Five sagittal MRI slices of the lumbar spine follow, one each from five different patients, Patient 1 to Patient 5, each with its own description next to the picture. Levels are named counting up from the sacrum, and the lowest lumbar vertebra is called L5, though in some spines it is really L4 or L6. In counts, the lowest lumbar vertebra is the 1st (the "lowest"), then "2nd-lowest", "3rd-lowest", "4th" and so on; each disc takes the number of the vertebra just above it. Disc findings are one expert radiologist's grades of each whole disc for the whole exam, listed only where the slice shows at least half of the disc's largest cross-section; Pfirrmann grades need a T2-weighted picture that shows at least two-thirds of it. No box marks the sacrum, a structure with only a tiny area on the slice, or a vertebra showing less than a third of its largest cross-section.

Patient 1 of 5:
Field of view 240x300 mm. Patient sex: F. MRI lumbar spine (T2 SPACE (3D)), sagittal plane.

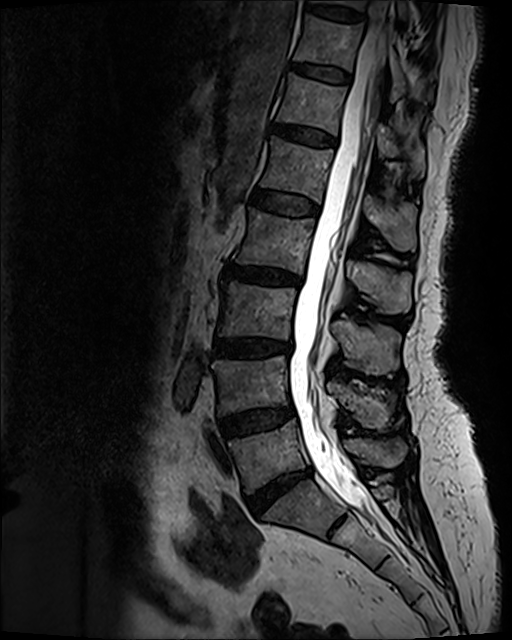 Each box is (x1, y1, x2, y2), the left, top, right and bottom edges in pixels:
L5 (lowest vertebra): (228, 421, 406, 494)
T11 (7th vertebra): (294, 16, 430, 99)
L2 (4th vertebra): (233, 208, 411, 312)
intervertebral disc L2/L3 (4th disc): (224, 263, 299, 283)
L4 (2nd-lowest vertebra): (212, 355, 396, 428)
L1/L2 (5th disc): (251, 191, 318, 215)
intervertebral disc L5/S1 (lowest disc): (248, 470, 310, 515)
intervertebral disc T10/T11 (8th disc): (308, 4, 361, 20)
L1 (5th vertebra): (260, 137, 415, 251)
T12 (6th vertebra): (276, 73, 425, 174)
intervertebral disc L4/L5 (2nd-lowest disc): (220, 406, 293, 436)
L3 (3rd-lowest vertebra): (218, 281, 399, 375)
T11/T12 (7th disc): (293, 64, 350, 82)
intervertebral disc L3/L4 (3rd-lowest disc): (212, 339, 290, 355)
intervertebral disc T12/L1 (6th disc): (271, 124, 336, 146)
spinal canal: (288, 1, 386, 519)

Expert MSK radiologist gradings (per disc):
  L4/L5 (2nd-lowest disc): Pfirrmann grade 3, disc bulging
  T12/L1 (6th disc): Pfirrmann grade 3, disc bulging
  T10/T11 (8th disc): Pfirrmann grade 2
  L1/L2 (5th disc): Pfirrmann grade 2
  L2/L3 (4th disc): Pfirrmann grade 4, upper-endplate change, Modic type II, disc bulging, disc narrowing, lower-endplate change
  T11/T12 (7th disc): Pfirrmann grade 2
  L5/S1 (lowest disc): Pfirrmann grade 4, disc narrowing, disc bulging
  L3/L4 (3rd-lowest disc): Pfirrmann grade 4, Modic type II, lower-endplate change, disc narrowing, disc bulging, upper-endplate change

Patient 2 of 5:
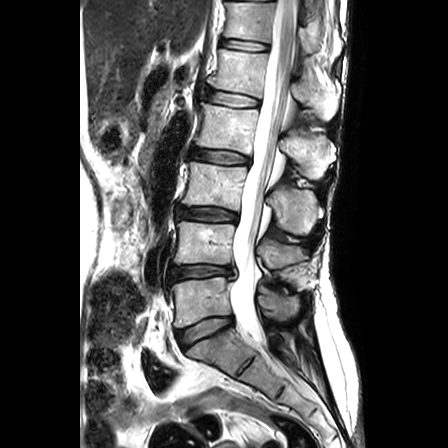 Lumbar spine MR, T2-weighted, sagittal, Slice spacing 3.3 mm
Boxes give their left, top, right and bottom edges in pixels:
L1 — left=208, top=49, right=339, bottom=119 | intervertebral disc L1/L2 — left=207, top=90, right=258, bottom=106 | L2 — left=196, top=103, right=335, bottom=179 | T12 — left=224, top=2, right=339, bottom=56 | L3/L4 — left=177, top=207, right=236, bottom=222 | intervertebral disc L5/S1 — left=176, top=317, right=232, bottom=348 | T12/L1 — left=222, top=39, right=267, bottom=50 | L5 vertebra — left=171, top=277, right=299, bottom=327 | L2/L3 — left=191, top=148, right=249, bottom=163 | intervertebral disc L4/L5 — left=169, top=264, right=237, bottom=282 | L4 vertebra — left=174, top=221, right=306, bottom=268 | L3 vertebra — left=182, top=162, right=323, bottom=234 | thecal sac / spinal canal — left=230, top=0, right=297, bottom=341

Per-level radiological findings:
  L2/L3: Pfirrmann grade 3, lower-endplate change, Modic type II, disc bulging, upper-endplate change
  L4/L5: Pfirrmann grade 3, disc herniation, lower-endplate change, disc narrowing, upper-endplate change
  L5/S1: Pfirrmann grade 2
  L1/L2: Pfirrmann grade 2, lower-endplate change, upper-endplate change, Modic type II
  L3/L4: Pfirrmann grade 3, disc bulging, lower-endplate change, upper-endplate change
  T12/L1: Pfirrmann grade 2, Modic type II

Patient 3 of 5:
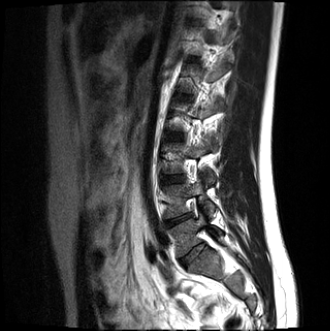

Sagittal T2-weighted lumbar spine MRI

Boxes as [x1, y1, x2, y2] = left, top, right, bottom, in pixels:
L3: [168, 138, 217, 182].
Disc L4/L5: [166, 213, 192, 226].
Disc L2/L3: [170, 134, 181, 140].
L3/L4: [165, 175, 181, 182].
Disc L5/S1: [181, 243, 205, 266].
L5: [169, 213, 223, 256].
L4: [164, 178, 215, 218].

Per-level radiological findings:
• L5/S1: disc bulging

Patient 4 of 5:
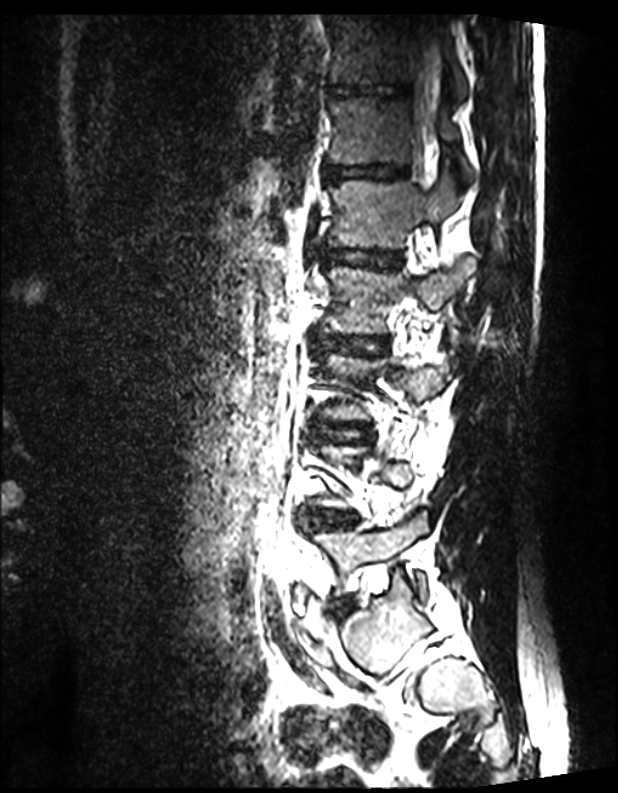 Sex M | Lumbar spine MR, T2 SPACE (3D), sagittal | Slice 94 of 144

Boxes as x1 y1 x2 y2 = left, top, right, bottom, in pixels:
L1 (5th vertebra) — 328 175 457 247 | L5 (lowest vertebra) — 315 512 427 598 | disc L2/L3 (4th disc) — 324 336 387 354 | T11/T12 (7th disc) — 329 83 407 98 | disc L3/L4 (3rd-lowest disc) — 323 424 366 440 | L2 (4th vertebra) — 322 258 475 334 | T12 (6th vertebra) — 328 97 469 179 | disc L5/S1 (lowest disc) — 333 600 353 615 | disc T12/L1 (6th disc) — 324 165 407 180 | L4/L5 (2nd-lowest disc) — 309 512 355 527 | T11 (7th vertebra) — 328 14 468 101 | spinal canal — 409 20 440 189 | L1/L2 (5th disc) — 316 247 400 268

Expert MSK radiologist gradings (per disc):
- T12/L1 (6th disc): Pfirrmann grade 1
- L1/L2 (5th disc): Pfirrmann grade 1
- T11/T12 (7th disc): Pfirrmann grade 1
- L2/L3 (4th disc): no spondylolisthesis, narrowing, bulging, herniation, Modic or endplate change recorded

Patient 5 of 5:
Slice 7/27 | Lumbar spine MR, T1-weighted, sagittal

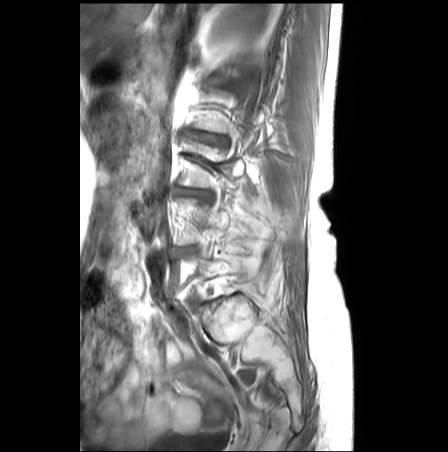 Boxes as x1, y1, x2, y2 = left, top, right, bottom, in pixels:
Segmented structures:
* disc L2/L3 at 188, 132, 219, 142
* L3/L4 at 175, 187, 211, 200

Degenerative findings by level:
  L3/L4: disc bulging, disc narrowing, Modic type II, upper-endplate change, lower-endplate change